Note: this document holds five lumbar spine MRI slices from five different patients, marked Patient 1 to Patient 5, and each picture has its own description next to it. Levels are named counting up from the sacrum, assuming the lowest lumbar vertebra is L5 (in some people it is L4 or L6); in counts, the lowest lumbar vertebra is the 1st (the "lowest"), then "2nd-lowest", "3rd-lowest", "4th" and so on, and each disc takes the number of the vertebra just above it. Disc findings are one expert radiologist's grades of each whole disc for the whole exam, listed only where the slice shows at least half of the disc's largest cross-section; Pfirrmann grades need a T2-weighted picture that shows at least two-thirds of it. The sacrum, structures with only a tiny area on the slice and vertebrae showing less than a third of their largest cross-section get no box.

Patient 1 of 5:
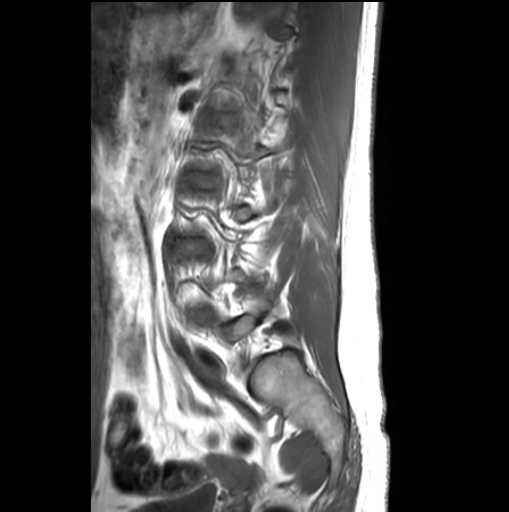 Sagittal T1-weighted lumbar spine MRI.
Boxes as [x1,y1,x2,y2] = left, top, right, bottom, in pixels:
IVD L3/L4 = [176,238,207,253].
L2/L3 = [188,173,216,189].
IVD L4/L5 = [198,315,210,320].

Radiological gradings:
• L2/L3: no spondylolisthesis, narrowing, bulging, herniation, Modic or endplate change recorded

Patient 2 of 5:
Sagittal T2 SPACE (3D) lumbar spine MRI | Scanner: SIEMENS Avanto_fit (1.5T)
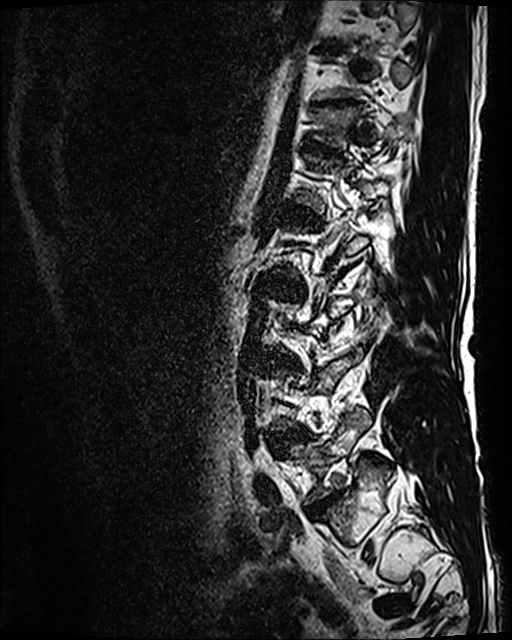
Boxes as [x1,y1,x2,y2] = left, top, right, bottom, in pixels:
Annotations:
• 2nd-lowest disc at [268,429,307,450]
• 6th vertebra at [318,107,411,140]
• 7th disc at [326,101,345,106]
• lowest vertebra at [290,409,370,502]
• lowest disc at [308,496,334,516]
• 5th disc at [287,207,316,221]
• 4th disc at [262,278,297,290]
• 6th disc at [312,145,335,154]

Patient 3 of 5:
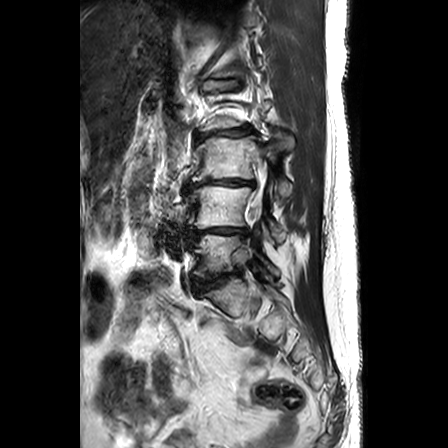

Sagittal T2-weighted lumbar spine MRI
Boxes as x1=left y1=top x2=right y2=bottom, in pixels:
• L3/L4 — x1=184 y1=179 x2=254 y2=190
• L4/L5 — x1=186 y1=228 x2=248 y2=241
• L3 — x1=191 y1=131 x2=293 y2=197
• L5 — x1=192 y1=225 x2=278 y2=278
• thecal sac / spinal canal — x1=255 y1=195 x2=260 y2=204
• intervertebral disc L2/L3 — x1=194 y1=125 x2=254 y2=142
• L4 — x1=186 y1=185 x2=284 y2=241
• L1/L2 — x1=203 y1=78 x2=239 y2=91
• intervertebral disc L5/S1 — x1=193 y1=269 x2=240 y2=290

Degenerative findings by level:
• L2/L3: Pfirrmann grade 3, lower-endplate change, upper-endplate change, disc bulging, disc narrowing
• L3/L4: Pfirrmann grade 5, disc bulging, lower-endplate change, upper-endplate change, Modic type II, disc narrowing
• L4/L5: Pfirrmann grade 5, lower-endplate change, disc bulging, disc narrowing, Modic type II, upper-endplate change
• L1/L2: Pfirrmann grade 2, disc bulging

Patient 4 of 5:
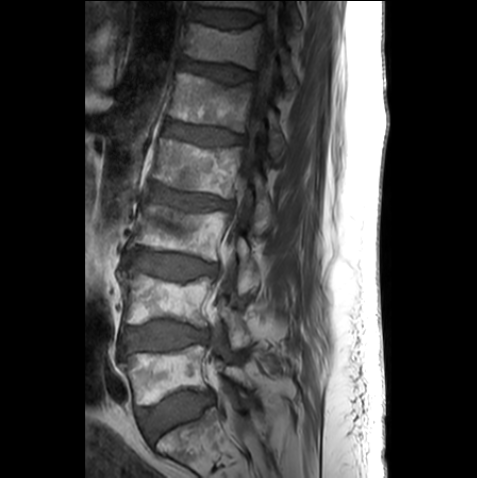 Field of view 280x281 mm | 477x478 px | Sagittal slice index 15 | T1-weighted sagittal MRI of the lumbar spine
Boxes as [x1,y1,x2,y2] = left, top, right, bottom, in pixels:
L5 (lowest vertebra) at [120,345,255,405], IVD L1/L2 (5th disc) at [164,120,243,145], IVD T12/L1 (6th disc) at [182,59,253,83], L1 (5th vertebra) at [168,72,285,164], L4 (2nd-lowest vertebra) at [119,269,253,348], L2/L3 (4th disc) at [149,184,231,211], T11 (7th vertebra) at [198,0,302,34], L2 (4th vertebra) at [153,138,270,235], thecal sac / spinal canal at [211,0,277,435], IVD T11/T12 (7th disc) at [195,7,259,28], L3/L4 (3rd-lowest disc) at [134,251,216,279], IVD L4/L5 (2nd-lowest disc) at [123,321,208,351], IVD L5/S1 (lowest disc) at [136,391,210,441], L3 (3rd-lowest vertebra) at [132,203,259,295], T12 (6th vertebra) at [184,23,297,97].

Degenerative findings by level:
  T12/L1 (6th disc): upper-endplate change
  L4/L5 (2nd-lowest disc): lower-endplate change
  L2/L3 (4th disc): upper-endplate change
  L1/L2 (5th disc), T11/T12 (7th disc), L3/L4 (3rd-lowest disc), L5/S1 (lowest disc): no herniation, bulging, narrowing, spondylolisthesis, endplate or Modic change recorded

Patient 5 of 5:
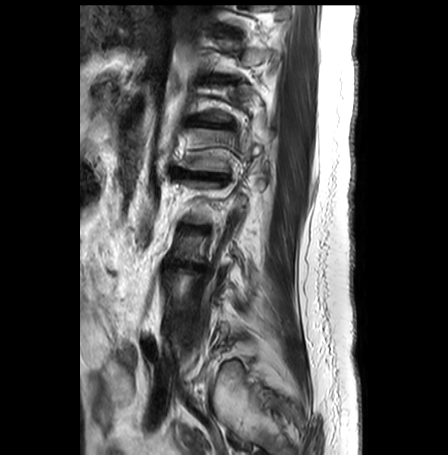

Slice 7/30. 448x455 px. MRI lumbar spine (T2-weighted), sagittal plane.

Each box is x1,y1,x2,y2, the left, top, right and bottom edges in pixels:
L1 (5th vertebra) at 181,128,272,171; L1/L2 (5th disc) at 174,169,226,179.

Radiological gradings:
  L1/L2 (5th disc): Pfirrmann grade 5, upper-endplate change, disc narrowing, Modic type II, lower-endplate change, disc bulging